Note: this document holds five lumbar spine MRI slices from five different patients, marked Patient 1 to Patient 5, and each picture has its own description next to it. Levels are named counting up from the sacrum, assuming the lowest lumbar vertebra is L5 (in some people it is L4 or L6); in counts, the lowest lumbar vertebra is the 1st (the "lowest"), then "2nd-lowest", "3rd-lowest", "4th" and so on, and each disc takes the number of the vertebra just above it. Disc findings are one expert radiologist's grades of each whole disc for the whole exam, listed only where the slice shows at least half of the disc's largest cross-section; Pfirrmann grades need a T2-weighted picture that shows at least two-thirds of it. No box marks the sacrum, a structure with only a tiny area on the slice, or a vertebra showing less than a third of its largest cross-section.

Patient 1 of 5:
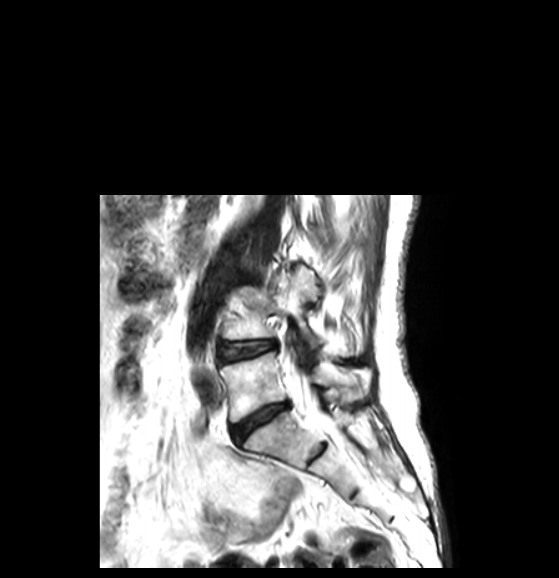
Image 559x578, MRI lumbar spine (T2-weighted), sagittal plane, Patient sex: F, Slice spacing 3.3 mm

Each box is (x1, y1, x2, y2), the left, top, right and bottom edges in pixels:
Structures:
• 2nd-lowest disc: (220, 340, 274, 361)
• lowest vertebra: (220, 352, 367, 422)
• lowest disc: (232, 403, 287, 440)
• thecal sac / spinal canal: (286, 353, 332, 434)
• 2nd-lowest vertebra: (226, 268, 320, 348)

Expert MSK radiologist gradings (per disc):
- lowest disc: Pfirrmann grade 3, disc bulging, disc narrowing
- 2nd-lowest disc: Pfirrmann grade 3, disc bulging

Patient 2 of 5:
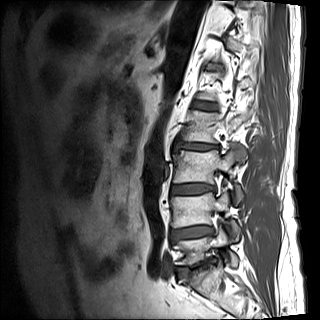
Slice 11/15, MRI lumbar spine (T1-weighted), sagittal plane, Image 320x320
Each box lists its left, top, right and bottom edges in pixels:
Lowest disc = left=175, top=262, right=208, bottom=276.
3rd-lowest vertebra = left=173, top=144, right=245, bottom=203.
2nd-lowest disc = left=171, top=226, right=213, bottom=241.
Lowest vertebra = left=173, top=226, right=238, bottom=267.
5th disc = left=194, top=101, right=216, bottom=109.
4th vertebra = left=183, top=109, right=252, bottom=143.
2nd-lowest vertebra = left=171, top=188, right=239, bottom=237.
4th disc = left=175, top=143, right=218, bottom=150.
3rd-lowest disc = left=171, top=184, right=215, bottom=194.

Per-level radiological findings:
  lowest disc: upper-endplate change, disc narrowing, disc bulging, lower-endplate change, Modic type II
  3rd-lowest disc: Modic type II, lower-endplate change, disc bulging, upper-endplate change
  4th disc: disc narrowing, lower-endplate change, Modic type II, disc bulging, upper-endplate change
  2nd-lowest disc: upper-endplate change, disc narrowing, Modic type II, lower-endplate change, disc bulging

Patient 3 of 5:
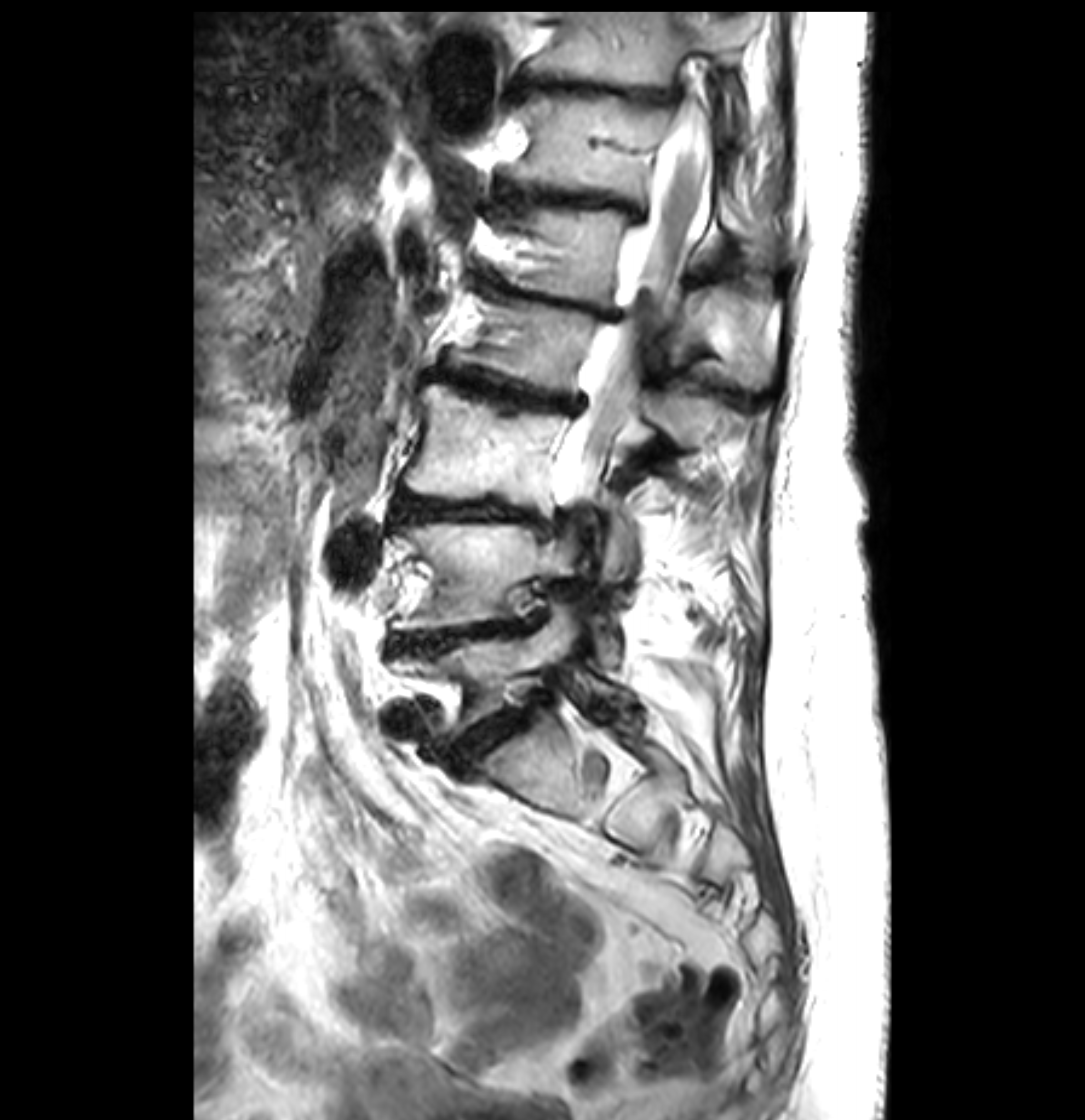 Field of view 280x289 mm, slice spacing 3.4 mm; Sex F; Sagittal T2-weighted lumbar spine MRI

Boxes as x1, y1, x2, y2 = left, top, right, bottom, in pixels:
Structures:
- T11/T12 — 506, 78, 685, 107
- intervertebral disc L2/L3 — 443, 368, 578, 410
- L5 — 400, 604, 612, 739
- L4/L5 — 392, 620, 530, 648
- intervertebral disc L5/S1 — 453, 690, 552, 765
- L1 — 508, 208, 775, 387
- intervertebral disc L3/L4 — 397, 495, 547, 526
- L2 vertebra — 472, 300, 726, 446
- L1/L2 — 497, 279, 625, 322
- T12/L1 — 526, 192, 646, 223
- L3 vertebra — 405, 383, 625, 575
- T12 — 518, 94, 765, 241
- thecal sac / spinal canal — 557, 98, 717, 522
- L4 — 392, 520, 615, 659
- T11 — 526, 11, 755, 130

Radiological gradings:
  L3/L4: Pfirrmann grade 5, upper-endplate change, disc narrowing, lower-endplate change, disc bulging, Modic type II
  L4/L5: lower-endplate change, disc narrowing, Modic type II, upper-endplate change, disc bulging
  L2/L3: lower-endplate change, disc narrowing, Modic type II, upper-endplate change, disc bulging
  T11/T12: Modic type II, disc narrowing, upper-endplate change, disc bulging, lower-endplate change
  L5/S1: Pfirrmann grade 5, disc narrowing, lower-endplate change, disc bulging, disc herniation, upper-endplate change, Modic type II

Patient 4 of 5:
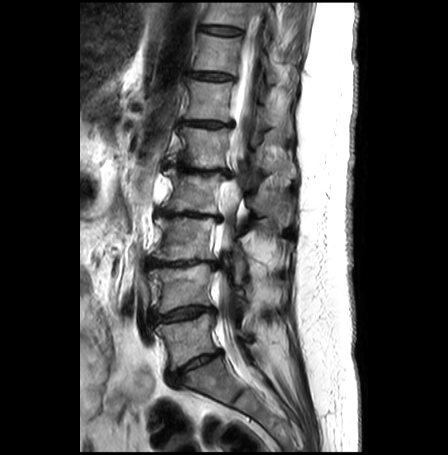 T2-weighted sagittal MRI of the lumbar spine; Field of view 280x284 mm, slice spacing 3.3 mm

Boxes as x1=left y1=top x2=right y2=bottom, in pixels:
Disc L3/L4 (3rd-lowest disc) at x1=148 y1=258 x2=217 y2=269, T11 (7th vertebra) at x1=194 y1=33 x2=293 y2=88, spinal canal at x1=211 y1=13 x2=266 y2=390, disc T10/T11 (8th disc) at x1=202 y1=26 x2=241 y2=35, L1 (5th vertebra) at x1=169 y1=127 x2=297 y2=177, L4 (2nd-lowest vertebra) at x1=148 y1=263 x2=245 y2=312, T10 (8th vertebra) at x1=203 y1=3 x2=282 y2=39, T11/T12 (7th disc) at x1=190 y1=71 x2=232 y2=80, L3 (3rd-lowest vertebra) at x1=152 y1=217 x2=284 y2=282, L5 (lowest vertebra) at x1=155 y1=313 x2=250 y2=369, disc T12/L1 (6th disc) at x1=183 y1=120 x2=231 y2=127, T12 (6th vertebra) at x1=185 y1=79 x2=292 y2=139, disc L1/L2 (5th disc) at x1=164 y1=163 x2=230 y2=176, L2 (4th vertebra) at x1=162 y1=168 x2=293 y2=225, disc L2/L3 (4th disc) at x1=156 y1=210 x2=220 y2=221, L5/S1 (lowest disc) at x1=167 y1=350 x2=222 y2=382, disc L4/L5 (2nd-lowest disc) at x1=150 y1=305 x2=214 y2=322.

Expert MSK radiologist gradings (per disc):
- L1/L2 (5th disc): Pfirrmann grade 5, disc bulging, disc narrowing, Modic type II, lower-endplate change, upper-endplate change
- T11/T12 (7th disc): Pfirrmann grade 2, disc bulging
- T12/L1 (6th disc): Pfirrmann grade 4, lower-endplate change, disc narrowing, Modic type II, disc bulging, upper-endplate change
- L5/S1 (lowest disc): Pfirrmann grade 4, disc narrowing, disc bulging, lower-endplate change, Modic type II, upper-endplate change
- L2/L3 (4th disc): upper-endplate change, disc bulging, disc narrowing, lower-endplate change, Modic type II
- L4/L5 (2nd-lowest disc): Pfirrmann grade 3, disc herniation, disc narrowing, upper-endplate change, lower-endplate change, Modic type II, disc bulging
- L3/L4 (3rd-lowest disc): disc bulging, Modic type II, upper-endplate change, lower-endplate change, disc narrowing
- T10/T11 (8th disc): Pfirrmann grade 1

Patient 5 of 5:
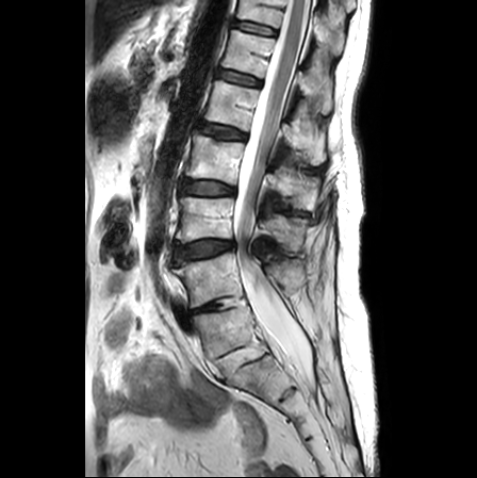 Sagittal T2-weighted lumbar spine MRI. Patient sex: F.

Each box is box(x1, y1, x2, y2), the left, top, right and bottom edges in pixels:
L3: box(177, 197, 304, 250).
L2 vertebra: box(185, 133, 317, 209).
T12/L1: box(217, 70, 261, 85).
L5/S1: box(217, 348, 247, 375).
L5: box(193, 303, 267, 362).
L1 vertebra: box(203, 80, 325, 165).
L2/L3: box(181, 179, 234, 195).
L4 vertebra: box(172, 253, 307, 307).
L3/L4: box(174, 240, 234, 262).
Thecal sac / spinal canal: box(234, 0, 316, 395).
T11 vertebra: box(237, 0, 344, 54).
L4/L5: box(193, 301, 222, 313).
L1/L2: box(198, 123, 246, 139).
T12: box(221, 30, 332, 113).
T11/T12: box(234, 20, 275, 35).

Per-level radiological findings:
  L1/L2: Pfirrmann grade 2, upper-endplate change, lower-endplate change
  L4/L5: Pfirrmann grade 3, disc narrowing
  L5/S1: Pfirrmann grade 1
  L3/L4: Pfirrmann grade 3, upper-endplate change, lower-endplate change, disc bulging, Modic type II
  T11/T12: Pfirrmann grade 1
  L2/L3: Pfirrmann grade 2, disc bulging, lower-endplate change, upper-endplate change
  T12/L1: Pfirrmann grade 1